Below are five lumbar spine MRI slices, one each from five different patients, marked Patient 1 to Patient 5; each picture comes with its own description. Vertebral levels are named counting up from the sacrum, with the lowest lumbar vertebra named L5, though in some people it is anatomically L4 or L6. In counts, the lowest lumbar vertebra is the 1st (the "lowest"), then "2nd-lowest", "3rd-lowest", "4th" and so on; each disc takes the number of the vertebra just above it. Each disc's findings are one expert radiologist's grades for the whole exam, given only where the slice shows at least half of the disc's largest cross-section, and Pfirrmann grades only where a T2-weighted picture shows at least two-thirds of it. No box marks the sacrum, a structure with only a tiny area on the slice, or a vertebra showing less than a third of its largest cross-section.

Patient 1 of 5:
Sagittal slice index 8; Sex F; Image 512x512; Sagittal T2-weighted lumbar spine MRI
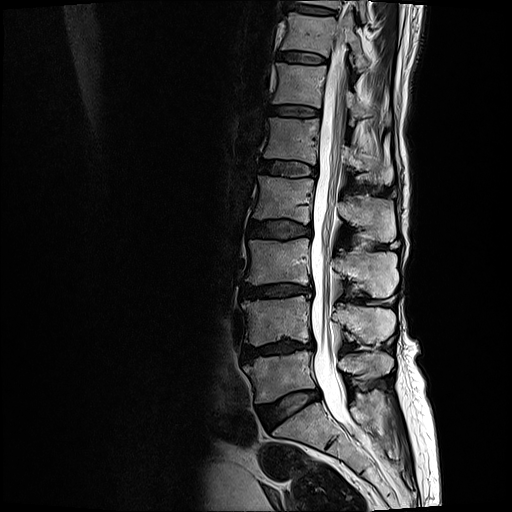
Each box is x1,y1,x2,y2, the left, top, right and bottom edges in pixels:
T10 at 302,0,366,21.
Disc T11/T12 at 279,51,326,62.
L2 vertebra at 253,175,395,241.
Disc L3/L4 at 242,283,312,297.
L1 at 264,117,393,185.
L5 at 244,349,393,404.
Thecal sac / spinal canal at 310,40,354,429.
L3 vertebra at 245,238,398,297.
Disc T10/T11 at 293,5,332,13.
L1/L2 at 260,160,316,176.
T12/L1 at 271,105,319,116.
L4 at 241,295,395,345.
T11 at 281,13,368,72.
L4/L5 at 243,339,314,359.
Disc L5/S1 at 259,390,319,425.
T12 at 272,62,391,126.
Disc L2/L3 at 251,218,311,238.

Radiological gradings:
• L4/L5: Pfirrmann grade 4, upper-endplate change, lower-endplate change, disc narrowing, disc bulging, Modic type II
• T11/T12: Pfirrmann grade 2, Modic type II, lower-endplate change, upper-endplate change
• L5/S1: Pfirrmann grade 2, disc bulging
• T12/L1: Pfirrmann grade 2, upper-endplate change, lower-endplate change, Modic type II
• L2/L3: Pfirrmann grade 3, disc bulging, upper-endplate change, Modic type II, lower-endplate change
• L3/L4: Pfirrmann grade 4, Modic type II, disc narrowing, upper-endplate change, lower-endplate change, disc bulging
• L1/L2: Pfirrmann grade 3, lower-endplate change, upper-endplate change, Modic type II
• T10/T11: Pfirrmann grade 2, upper-endplate change, lower-endplate change

Patient 2 of 5:
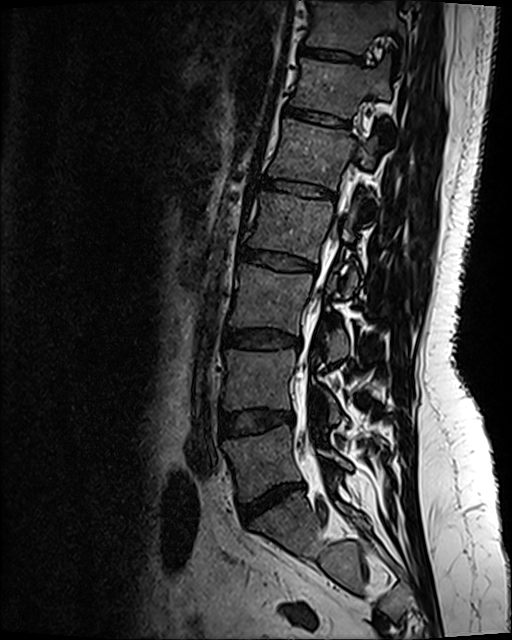 Image 512x640 | Field of view 240x300 mm, slice spacing 0.9 mm | Slice 73 of 120 | T2 SPACE (3D) sagittal MRI of the lumbar spine

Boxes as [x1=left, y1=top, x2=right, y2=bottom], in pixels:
Segmented structures:
- intervertebral disc T12/L1 at [x1=286, y1=107, x2=348, y2=130]
- L2/L3 at [x1=239, y1=249, x2=317, y2=272]
- intervertebral disc T11/T12 at [x1=302, y1=50, x2=359, y2=63]
- L3 at [x1=230, y1=264, x2=348, y2=362]
- L1 vertebra at [x1=269, y1=120, x2=377, y2=189]
- L1/L2 at [x1=263, y1=181, x2=334, y2=199]
- L2 at [x1=248, y1=193, x2=359, y2=295]
- T11 vertebra at [x1=307, y1=3, x2=405, y2=54]
- intervertebral disc L3/L4 at [x1=223, y1=329, x2=296, y2=348]
- T12 at [x1=292, y1=60, x2=390, y2=117]
- L5/S1 at [x1=241, y1=485, x2=302, y2=523]
- intervertebral disc L4/L5 at [x1=221, y1=411, x2=292, y2=435]
- L5 vertebra at [x1=225, y1=425, x2=351, y2=499]
- L4 at [x1=225, y1=351, x2=340, y2=422]

Degenerative findings by level:
  T11/T12: Pfirrmann grade 2
  L1/L2: Pfirrmann grade 2, upper-endplate change, lower-endplate change
  L2/L3: Pfirrmann grade 4, upper-endplate change, disc bulging, lower-endplate change
  L3/L4: Pfirrmann grade 2, disc bulging
  L5/S1: Pfirrmann grade 1, disc narrowing, disc herniation, disc bulging
  T12/L1: Pfirrmann grade 2, upper-endplate change, lower-endplate change
  L4/L5: Pfirrmann grade 2, disc bulging

Patient 3 of 5:
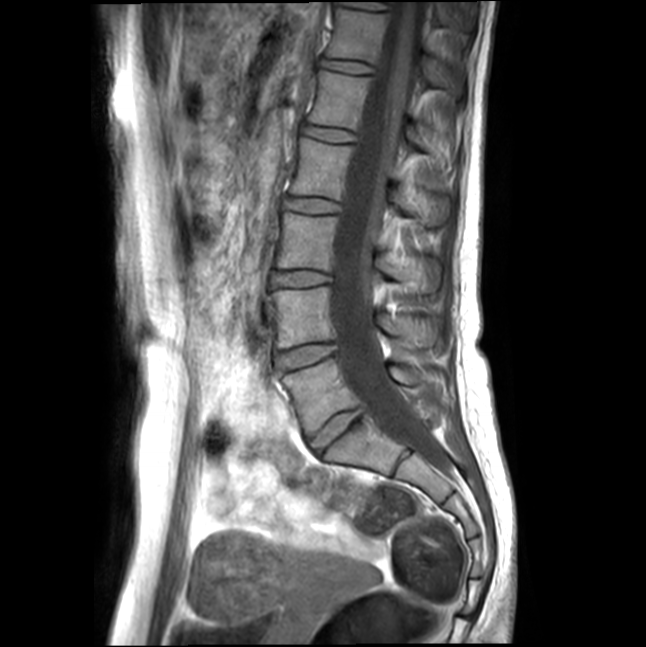 Slice spacing 4.4 mm; T1-weighted sagittal MRI of the lumbar spine; Patient sex: F; Image 646x647
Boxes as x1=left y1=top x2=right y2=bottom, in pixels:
L3 (3rd-lowest vertebra) at x1=277 y1=213 x2=441 y2=292, intervertebral disc L1/L2 (5th disc) at x1=302 y1=123 x2=357 y2=143, L3/L4 (3rd-lowest disc) at x1=272 y1=270 x2=330 y2=287, L2 (4th vertebra) at x1=291 y1=137 x2=450 y2=224, L2/L3 (4th disc) at x1=284 y1=196 x2=341 y2=213, thecal sac / spinal canal at x1=332 y1=2 x2=446 y2=468, L5 (lowest vertebra) at x1=283 y1=359 x2=424 y2=436, T12 (6th vertebra) at x1=326 y1=8 x2=461 y2=93, T12/L1 (6th disc) at x1=320 y1=58 x2=374 y2=73, L4 (2nd-lowest vertebra) at x1=271 y1=287 x2=438 y2=349, L1 (5th vertebra) at x1=308 y1=70 x2=424 y2=147, intervertebral disc L5/S1 (lowest disc) at x1=311 y1=410 x2=362 y2=453, L4/L5 (2nd-lowest disc) at x1=276 y1=343 x2=335 y2=372.

Degenerative findings by level:
• L2/L3 (4th disc), L4/L5 (2nd-lowest disc), L5/S1 (lowest disc), L1/L2 (5th disc), T12/L1 (6th disc), L3/L4 (3rd-lowest disc): no spondylolisthesis, narrowing, bulging, herniation, Modic or endplate change recorded

Patient 4 of 5:
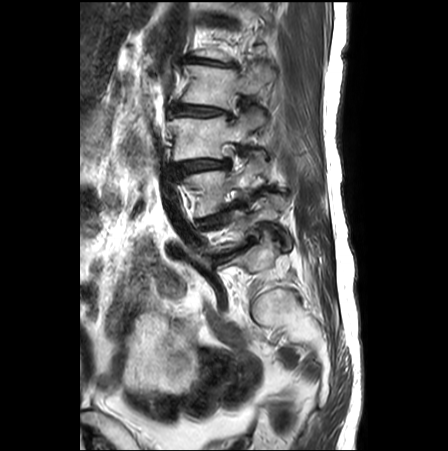 Patient sex: F; Sagittal T2-weighted lumbar spine MRI; 448x451 px

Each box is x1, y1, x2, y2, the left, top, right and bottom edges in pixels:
4th vertebra — 181, 64, 273, 108.
5th disc — 185, 56, 236, 66.
2nd-lowest vertebra — 174, 157, 267, 216.
2nd-lowest disc — 200, 201, 237, 227.
3rd-lowest disc — 174, 160, 228, 173.
4th disc — 169, 104, 231, 118.
Lowest disc — 215, 237, 255, 257.
Lowest vertebra — 214, 194, 292, 252.
3rd-lowest vertebra — 168, 110, 267, 161.

Expert MSK radiologist gradings (per disc):
- 3rd-lowest disc: Pfirrmann grade 4, spondylolisthesis, lower-endplate change, disc bulging, disc narrowing, Modic type II, upper-endplate change
- 2nd-lowest disc: disc bulging, disc narrowing, disc herniation, lower-endplate change, spondylolisthesis, upper-endplate change, Modic type II
- 4th disc: Pfirrmann grade 4, disc bulging, upper-endplate change, Modic type II, lower-endplate change, disc narrowing, spondylolisthesis
- 5th disc: Pfirrmann grade 5, disc bulging, lower-endplate change, disc narrowing

Patient 5 of 5:
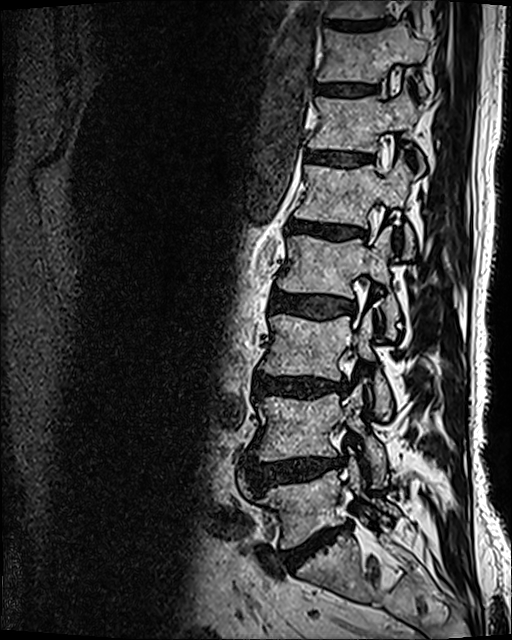 Slice 47/120, Sagittal T2 SPACE (3D) lumbar spine MRI

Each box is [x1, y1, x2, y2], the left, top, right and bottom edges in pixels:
Annotations:
- L4 (2nd-lowest vertebra) — [250, 394, 387, 481]
- intervertebral disc T11/T12 (7th disc) — [316, 84, 375, 95]
- L5 (lowest vertebra) — [258, 461, 398, 547]
- T11 (7th vertebra) — [318, 19, 427, 96]
- L3/L4 (3rd-lowest disc) — [255, 376, 347, 398]
- L2 (4th vertebra) — [277, 227, 399, 337]
- L4/L5 (2nd-lowest disc) — [247, 456, 343, 488]
- T12/L1 (6th disc) — [306, 150, 372, 165]
- intervertebral disc L2/L3 (4th disc) — [270, 290, 355, 319]
- L1 (5th vertebra) — [294, 155, 413, 257]
- intervertebral disc L5/S1 (lowest disc) — [284, 525, 349, 568]
- T10/T11 (8th disc) — [324, 20, 384, 29]
- T12 (6th vertebra) — [308, 83, 425, 173]
- T10 (8th vertebra) — [328, 0, 423, 25]
- L3 (3rd-lowest vertebra) — [259, 310, 391, 419]
- L1/L2 (5th disc) — [288, 219, 365, 238]

Per-level radiological findings:
  L1/L2 (5th disc): Pfirrmann grade 4, upper-endplate change, lower-endplate change, disc bulging, disc narrowing, Modic type II
  L2/L3 (4th disc): Pfirrmann grade 3, disc bulging
  L5/S1 (lowest disc): disc bulging, Modic type II, lower-endplate change, disc narrowing
  T12/L1 (6th disc): Pfirrmann grade 3
  T11/T12 (7th disc): Pfirrmann grade 3
  L3/L4 (3rd-lowest disc): Pfirrmann grade 4, disc bulging, Modic type II, disc narrowing, lower-endplate change
  L4/L5 (2nd-lowest disc): Pfirrmann grade 4, disc bulging, disc herniation